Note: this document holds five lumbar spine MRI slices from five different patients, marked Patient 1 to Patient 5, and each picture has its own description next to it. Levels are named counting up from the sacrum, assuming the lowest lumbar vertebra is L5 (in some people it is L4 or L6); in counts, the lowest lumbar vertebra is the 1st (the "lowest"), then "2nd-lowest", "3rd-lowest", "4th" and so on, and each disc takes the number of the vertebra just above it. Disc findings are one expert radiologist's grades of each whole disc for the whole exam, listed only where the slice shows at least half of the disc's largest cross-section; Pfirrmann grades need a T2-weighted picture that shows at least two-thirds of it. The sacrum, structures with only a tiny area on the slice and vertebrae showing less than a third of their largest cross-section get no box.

Patient 1 of 5:
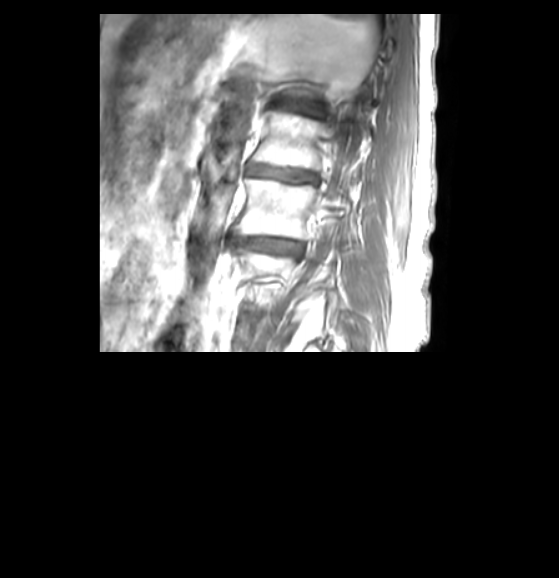 Sagittal T1-weighted lumbar spine MRI | Slice spacing 3.3 mm | Sex F | Slice 35/50 | Image 559x578

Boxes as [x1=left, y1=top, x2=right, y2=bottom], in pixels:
Structures:
• L1 = [x1=252, y1=110, x2=334, y2=170]
• L2/L3 = [x1=232, y1=236, x2=302, y2=256]
• IVD T12/L1 = [x1=272, y1=98, x2=320, y2=114]
• L2 = [x1=235, y1=177, x2=349, y2=238]
• IVD L1/L2 = [x1=246, y1=164, x2=315, y2=181]

Expert MSK radiologist gradings (per disc):
- T12/L1: lower-endplate change, disc narrowing
- L2/L3: disc narrowing, disc bulging
- L1/L2: disc narrowing

Patient 2 of 5:
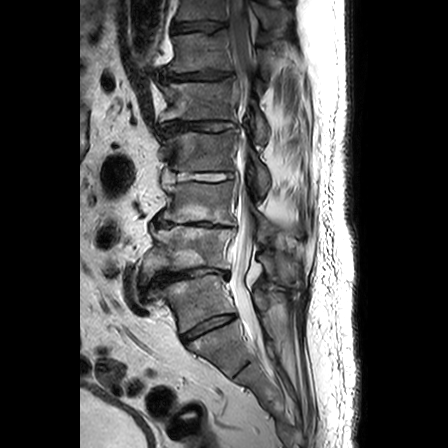
MRI lumbar spine (T2-weighted), sagittal plane | Slice spacing 3.3 mm

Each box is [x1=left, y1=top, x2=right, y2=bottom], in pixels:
L3 at [x1=161, y1=182, x2=294, y2=236], IVD L1/L2 at [x1=161, y1=121, x2=231, y2=130], IVD L5/S1 at [x1=182, y1=315, x2=234, y2=341], T12/L1 at [x1=160, y1=71, x2=231, y2=81], IVD T11/T12 at [x1=172, y1=21, x2=226, y2=33], thecal sac / spinal canal at [x1=228, y1=0, x2=260, y2=342], T11 vertebra at [x1=175, y1=0, x2=290, y2=29], L2 vertebra at [x1=155, y1=129, x2=270, y2=195], L4/L5 at [x1=148, y1=268, x2=228, y2=286], T12 vertebra at [x1=168, y1=30, x2=267, y2=79], L4 at [x1=143, y1=225, x2=295, y2=283], L2/L3 at [x1=171, y1=171, x2=233, y2=180], L5 at [x1=158, y1=275, x2=281, y2=332], L1 vertebra at [x1=160, y1=78, x2=269, y2=142], L3/L4 at [x1=154, y1=218, x2=232, y2=227].

Radiological gradings:
- T12/L1: Pfirrmann grade 4, disc herniation, disc bulging, disc narrowing
- L5/S1: Pfirrmann grade 4, disc narrowing
- L1/L2: Pfirrmann grade 4, disc bulging, disc narrowing
- L3/L4: Pfirrmann grade 5, disc bulging, disc herniation, Modic type II, disc narrowing
- L2/L3: Pfirrmann grade 4, disc bulging, disc narrowing
- L4/L5: Pfirrmann grade 5, disc bulging, disc narrowing, Modic type II, disc herniation
- T11/T12: Pfirrmann grade 3, upper-endplate change, disc bulging, disc narrowing

Patient 3 of 5:
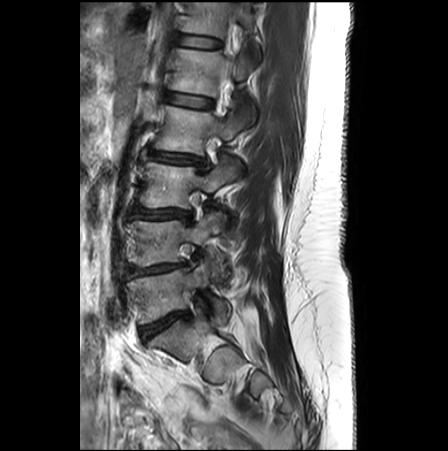 MRI lumbar spine (T2-weighted), sagittal plane.
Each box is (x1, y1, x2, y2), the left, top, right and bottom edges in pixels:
L5 (lowest vertebra): (127, 262, 230, 323)
L3/L4 (3rd-lowest disc): (132, 207, 190, 218)
disc T12/L1 (6th disc): (177, 35, 220, 48)
L5/S1 (lowest disc): (140, 312, 189, 338)
L2/L3 (4th disc): (150, 151, 202, 165)
spinal canal: (222, 61, 230, 82)
L1 (5th vertebra): (170, 48, 256, 123)
L4/L5 (2nd-lowest disc): (129, 263, 184, 276)
T12 (6th vertebra): (183, 0, 259, 57)
L1/L2 (5th disc): (165, 92, 212, 107)
L3 (3rd-lowest vertebra): (140, 155, 242, 208)
L2 (4th vertebra): (153, 106, 247, 154)
L4 (2nd-lowest vertebra): (128, 212, 221, 274)

Expert MSK radiologist gradings (per disc):
• L1/L2 (5th disc): Pfirrmann grade 1
• L2/L3 (4th disc): Pfirrmann grade 2, disc bulging, disc narrowing
• L5/S1 (lowest disc): Pfirrmann grade 4, Modic type II, disc narrowing, disc bulging
• L4/L5 (2nd-lowest disc): Pfirrmann grade 3, upper-endplate change, disc bulging, disc narrowing, Modic type II
• L3/L4 (3rd-lowest disc): Pfirrmann grade 2, disc bulging, Modic type II
• T12/L1 (6th disc): Pfirrmann grade 1

Patient 4 of 5:
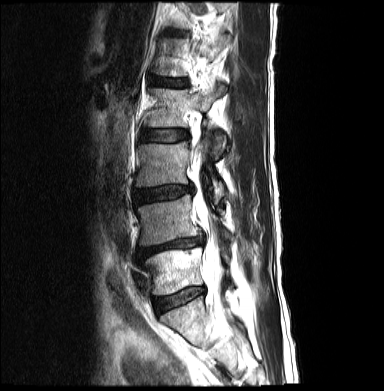 Sex M. Field of view 260x265 mm, slice spacing 4.7 mm. Sagittal T2-weighted lumbar spine MRI. 384x391 px. Slice 13/21.
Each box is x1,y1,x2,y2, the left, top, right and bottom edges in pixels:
Segmented structures:
• L4/L5 = 137,236,203,259
• L3 vertebra = 136,141,225,202
• L4 = 137,195,229,244
• intervertebral disc L5/S1 = 153,287,204,312
• intervertebral disc L3/L4 = 135,185,192,204
• intervertebral disc L2/L3 = 140,129,188,142
• thecal sac / spinal canal = 191,140,223,301
• L5 = 143,248,231,294
• L1/L2 = 152,78,186,88
• L2 vertebra = 146,84,225,157

Expert MSK radiologist gradings (per disc):
- L3/L4: Pfirrmann grade 3, disc bulging, disc narrowing
- L2/L3: Pfirrmann grade 2
- L4/L5: Pfirrmann grade 5, disc herniation, disc bulging, Modic type II, lower-endplate change, upper-endplate change, disc narrowing
- L5/S1: Pfirrmann grade 2, Modic type II

Patient 5 of 5:
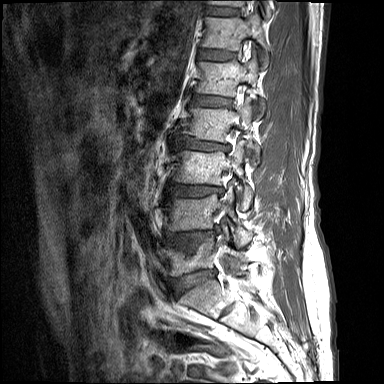 T1-weighted sagittal MRI of the lumbar spine

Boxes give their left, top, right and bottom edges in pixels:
L5/S1 (lowest disc) at left=172, top=270, right=215, bottom=294; L2/L3 (4th disc) at left=176, top=137, right=229, bottom=151; L4/L5 (2nd-lowest disc) at left=166, top=230, right=214, bottom=252; L4 (2nd-lowest vertebra) at left=165, top=188, right=251, bottom=245; L1/L2 (5th disc) at left=191, top=94, right=231, bottom=106; L3 (3rd-lowest vertebra) at left=173, top=141, right=253, bottom=209; T11 (7th vertebra) at left=208, top=0, right=269, bottom=16; T11/T12 (7th disc) at left=203, top=6, right=238, bottom=16; L2 (4th vertebra) at left=177, top=98, right=260, bottom=158; disc T12/L1 (6th disc) at left=198, top=49, right=236, bottom=61; L5 (lowest vertebra) at left=165, top=238, right=247, bottom=276; L1 (5th vertebra) at left=195, top=54, right=263, bottom=115; L3/L4 (3rd-lowest disc) at left=167, top=183, right=223, bottom=196; T12 (6th vertebra) at left=201, top=12, right=268, bottom=65.

Degenerative findings by level:
• L4/L5 (2nd-lowest disc): disc bulging, lower-endplate change, upper-endplate change
• T12/L1 (6th disc): upper-endplate change, lower-endplate change
• L2/L3 (4th disc): disc bulging, lower-endplate change, upper-endplate change, disc narrowing
• L5/S1 (lowest disc): disc bulging, upper-endplate change, disc narrowing, lower-endplate change
• L3/L4 (3rd-lowest disc): lower-endplate change, disc bulging, upper-endplate change
• L1/L2 (5th disc): upper-endplate change, disc bulging, lower-endplate change
• T11/T12 (7th disc): no herniation, bulging, narrowing, spondylolisthesis, endplate or Modic change recorded